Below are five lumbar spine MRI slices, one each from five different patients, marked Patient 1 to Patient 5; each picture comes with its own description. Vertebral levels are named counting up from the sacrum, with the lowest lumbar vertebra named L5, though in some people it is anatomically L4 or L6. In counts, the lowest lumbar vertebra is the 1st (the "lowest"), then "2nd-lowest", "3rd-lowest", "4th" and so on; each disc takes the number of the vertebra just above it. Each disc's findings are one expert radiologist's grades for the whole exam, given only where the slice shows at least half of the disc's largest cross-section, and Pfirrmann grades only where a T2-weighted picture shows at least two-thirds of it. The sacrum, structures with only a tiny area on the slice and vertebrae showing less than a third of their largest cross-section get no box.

Patient 1 of 5:
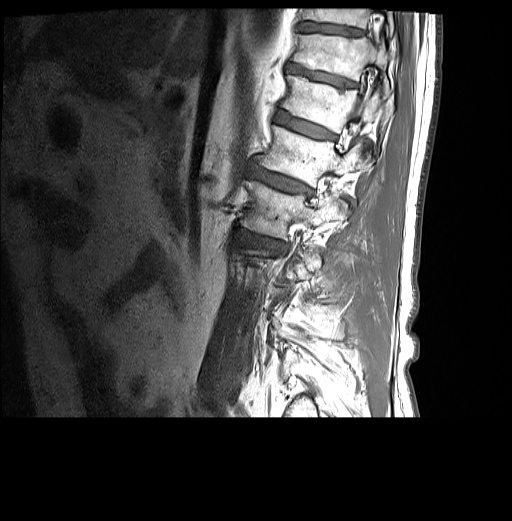
T1-weighted sagittal MRI of the lumbar spine, Sagittal slice index 5, Patient sex: M
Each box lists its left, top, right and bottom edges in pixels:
T12/L1 (6th disc) at left=275, top=111, right=335, bottom=140; IVD L2/L3 (4th disc) at left=236, top=229, right=285, bottom=252; L1 (5th vertebra) at left=255, top=126, right=369, bottom=186; IVD T10/T11 (8th disc) at left=298, top=21, right=363, bottom=36; IVD T11/T12 (7th disc) at left=287, top=64, right=355, bottom=87; T10 (8th vertebra) at left=302, top=9, right=393, bottom=36; L1/L2 (5th disc) at left=248, top=165, right=309, bottom=192; T12 (6th vertebra) at left=282, top=75, right=379, bottom=132; L2 (4th vertebra) at left=240, top=180, right=346, bottom=239; T11 (7th vertebra) at left=293, top=34, right=390, bottom=97.

Radiological gradings:
  T12/L1 (6th disc): lower-endplate change, upper-endplate change, disc bulging, Modic type II
  L1/L2 (5th disc): disc bulging, Modic type II, upper-endplate change, lower-endplate change
  L2/L3 (4th disc): upper-endplate change, disc bulging, disc narrowing, lower-endplate change, Modic type I
  T11/T12 (7th disc): upper-endplate change, disc bulging, lower-endplate change
  T10/T11 (8th disc): no spondylolisthesis, narrowing, bulging, herniation, Modic or endplate change recorded

Patient 2 of 5:
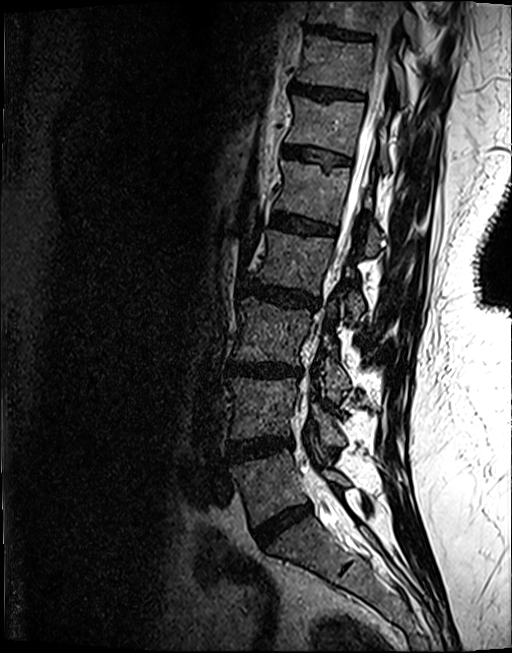 T2 SPACE (3D) sagittal MRI of the lumbar spine | Sex F | Image 512x653
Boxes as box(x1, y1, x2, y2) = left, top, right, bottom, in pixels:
L5/S1: box(255, 503, 311, 546).
T11: box(297, 34, 447, 106).
T11/T12: box(291, 81, 362, 98).
L3/L4: box(228, 362, 300, 376).
T12/L1: box(282, 145, 349, 163).
T10/T11: box(305, 24, 370, 38).
Disc L2/L3: box(241, 279, 318, 307).
T10 vertebra: box(307, 0, 420, 47).
L4: box(228, 377, 344, 445).
T12 vertebra: box(286, 94, 389, 172).
L2: box(250, 230, 364, 320).
L1/L2: box(270, 211, 334, 233).
L5 vertebra: box(228, 450, 350, 526).
Disc L4/L5: box(227, 437, 292, 461).
L1 vertebra: box(275, 160, 383, 253).
L3 vertebra: box(233, 296, 349, 400).
Spinal canal: box(297, 0, 403, 514).

Per-level radiological findings:
  L4/L5: Pfirrmann grade 4, disc bulging, lower-endplate change, Modic type II
  T10/T11: Pfirrmann grade 4, lower-endplate change, upper-endplate change
  T11/T12: Pfirrmann grade 4, upper-endplate change
  L2/L3: Pfirrmann grade 4, upper-endplate change, lower-endplate change, disc bulging
  L5/S1: Pfirrmann grade 4, disc narrowing, disc bulging
  T12/L1: Pfirrmann grade 3, upper-endplate change, lower-endplate change
  L1/L2: Pfirrmann grade 4, lower-endplate change, upper-endplate change, Modic type II
  L3/L4: Pfirrmann grade 4, Modic type II, upper-endplate change, disc bulging, lower-endplate change, disc narrowing

Patient 3 of 5:
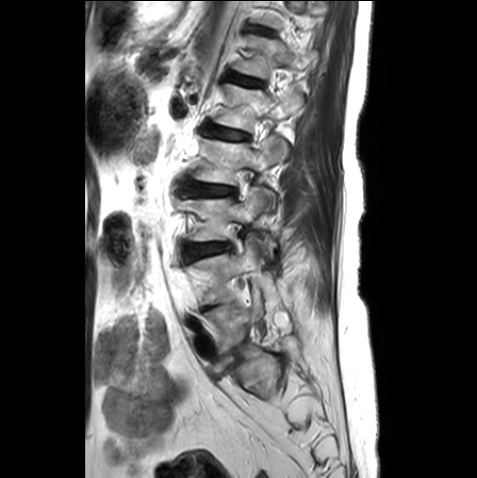
MRI lumbar spine (T2-weighted), sagittal plane. Sagittal slice index 17.
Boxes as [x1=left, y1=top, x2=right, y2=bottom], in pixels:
5th disc: [x1=205, y1=124, x2=248, y2=139].
4th disc: [x1=182, y1=180, x2=234, y2=195].
3rd-lowest disc: [x1=185, y1=243, x2=229, y2=260].
Lowest vertebra: [x1=204, y1=287, x2=262, y2=360].
2nd-lowest vertebra: [x1=186, y1=236, x2=279, y2=304].
3rd-lowest vertebra: [x1=178, y1=186, x2=276, y2=258].
6th disc: [x1=232, y1=75, x2=261, y2=85].
5th vertebra: [x1=216, y1=84, x2=302, y2=131].
Lowest disc: [x1=209, y1=349, x2=242, y2=378].
6th vertebra: [x1=234, y1=36, x2=314, y2=78].
4th vertebra: [x1=194, y1=137, x2=288, y2=211].

Radiological gradings:
  3rd-lowest disc: Modic type II, lower-endplate change, disc bulging, upper-endplate change
  5th disc: Pfirrmann grade 2, lower-endplate change, upper-endplate change
  4th disc: Pfirrmann grade 2, upper-endplate change, disc bulging, lower-endplate change
  lowest disc: Pfirrmann grade 1
  6th disc: no herniation, bulging, narrowing, spondylolisthesis, endplate or Modic change recorded

Patient 4 of 5:
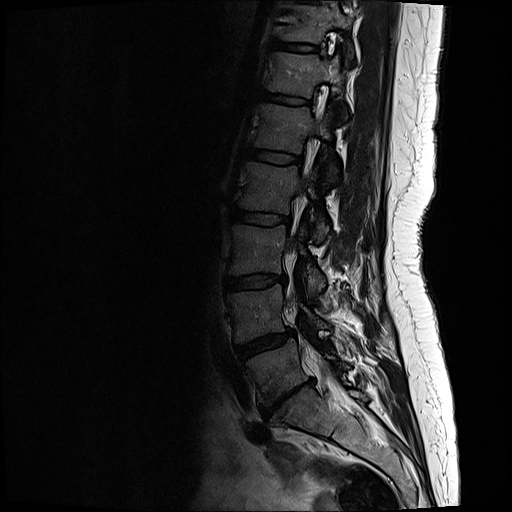

Image 512x512 | Slice 13/17 | MRI lumbar spine (T2-weighted), sagittal plane | Sex F

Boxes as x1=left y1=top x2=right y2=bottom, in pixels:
L4 at x1=229 y1=284 x2=327 y2=341 | L3 vertebra at x1=231 y1=225 x2=322 y2=294 | intervertebral disc L1/L2 at x1=245 y1=147 x2=301 y2=165 | L2/L3 at x1=233 y1=208 x2=288 y2=225 | L1 vertebra at x1=255 y1=105 x2=330 y2=151 | T12 vertebra at x1=271 y1=53 x2=346 y2=96 | T11 at x1=287 y1=7 x2=352 y2=41 | L2 at x1=240 y1=163 x2=326 y2=239 | L5 at x1=247 y1=339 x2=348 y2=404 | L4/L5 at x1=234 y1=330 x2=290 y2=357 | L3/L4 at x1=224 y1=275 x2=285 y2=290 | T12/L1 at x1=262 y1=91 x2=306 y2=103 | L5/S1 at x1=261 y1=379 x2=311 y2=415 | intervertebral disc T11/T12 at x1=275 y1=41 x2=314 y2=49

Degenerative findings by level:
  L4/L5: Pfirrmann grade 3, disc bulging
  L1/L2: Pfirrmann grade 2
  L2/L3: Pfirrmann grade 2
  T12/L1: Pfirrmann grade 2
  L3/L4: Pfirrmann grade 2, disc bulging
  T11/T12: no spondylolisthesis, narrowing, bulging, herniation, Modic or endplate change recorded

Patient 5 of 5:
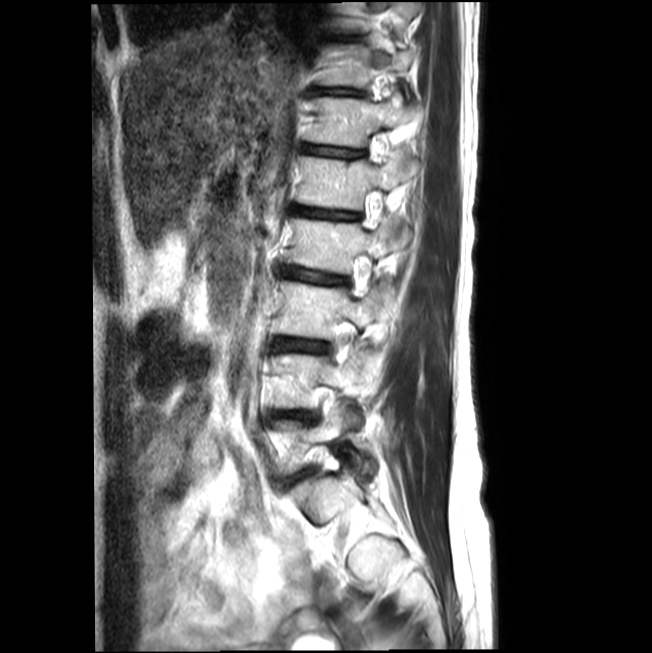
Patient sex: F. Lumbar spine MR, T2-weighted, sagittal. Sagittal slice index 4.
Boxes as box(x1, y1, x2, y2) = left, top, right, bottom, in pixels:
- L3 vertebra = box(271, 281, 391, 340)
- L3/L4 = box(275, 338, 328, 353)
- L1/L2 = box(292, 206, 357, 219)
- L1 = box(295, 151, 420, 209)
- T11 = box(320, 44, 420, 87)
- intervertebral disc L5/S1 = box(289, 470, 310, 483)
- L4 = box(271, 350, 380, 408)
- L5 = box(272, 404, 371, 472)
- intervertebral disc L2/L3 = box(280, 267, 347, 283)
- L2 = box(285, 215, 410, 274)
- T12 vertebra = box(306, 93, 419, 146)
- intervertebral disc T11/T12 = box(314, 89, 358, 93)
- L4/L5 = box(273, 411, 305, 418)
- intervertebral disc T12/L1 = box(304, 144, 361, 158)

Radiological gradings:
- T12/L1: Pfirrmann grade 2, lower-endplate change, upper-endplate change, disc narrowing
- L3/L4: disc narrowing, upper-endplate change, lower-endplate change
- L1/L2: Pfirrmann grade 4, disc narrowing, lower-endplate change, upper-endplate change
- L2/L3: Pfirrmann grade 2, lower-endplate change, disc narrowing, upper-endplate change